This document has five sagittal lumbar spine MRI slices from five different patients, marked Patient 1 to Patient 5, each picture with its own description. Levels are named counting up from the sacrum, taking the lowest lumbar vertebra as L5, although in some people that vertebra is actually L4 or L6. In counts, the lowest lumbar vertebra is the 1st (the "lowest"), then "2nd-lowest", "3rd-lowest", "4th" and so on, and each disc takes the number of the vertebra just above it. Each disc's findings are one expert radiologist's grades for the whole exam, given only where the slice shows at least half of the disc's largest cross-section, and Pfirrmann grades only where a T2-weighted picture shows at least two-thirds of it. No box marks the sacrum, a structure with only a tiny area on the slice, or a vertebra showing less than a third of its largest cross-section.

Patient 1 of 5:
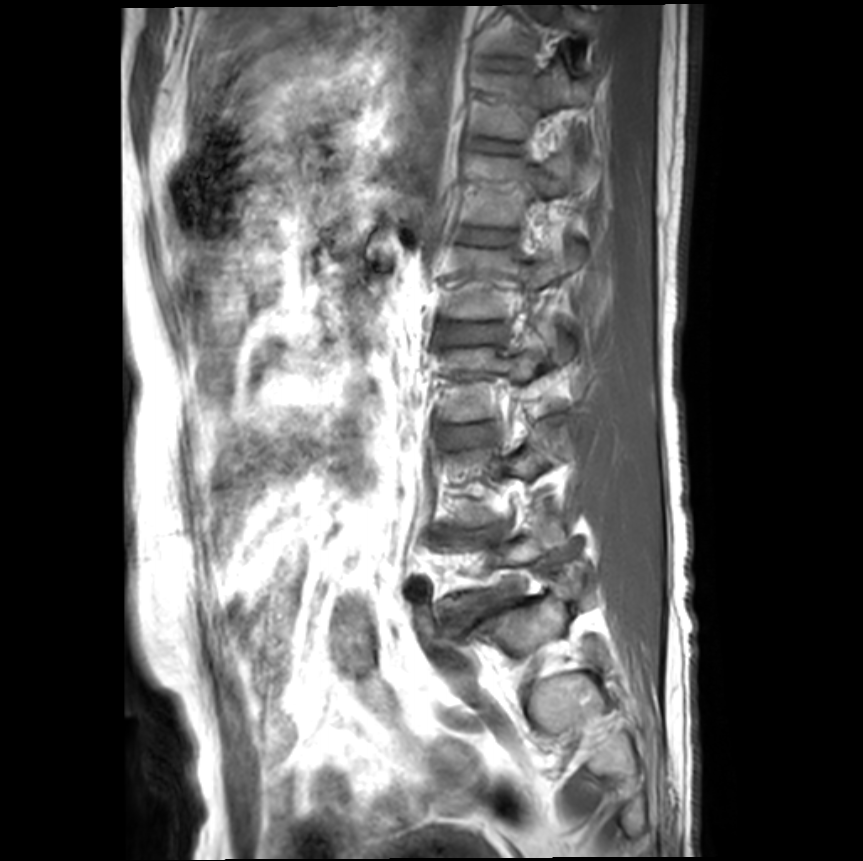
Lumbar spine MR, T1-weighted, sagittal; Field of view 310x309 mm; Slice 16 of 21
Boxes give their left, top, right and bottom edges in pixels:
Disc L1/L2 at left=464, top=231, right=508, bottom=244; T12/L1 at left=480, top=141, right=520, bottom=152; L3 vertebra at left=443, top=333, right=573, bottom=421; L1 vertebra at left=469, top=156, right=595, bottom=225; L2/L3 at left=445, top=323, right=501, bottom=342; disc L5/S1 at left=448, top=604, right=493, bottom=625; L2 vertebra at left=445, top=241, right=585, bottom=317; L4/L5 at left=438, top=527, right=500, bottom=538; T11 vertebra at left=490, top=4, right=589, bottom=55; disc L3/L4 at left=445, top=423, right=494, bottom=444; T12 at left=479, top=67, right=590, bottom=138.

Patient 2 of 5:
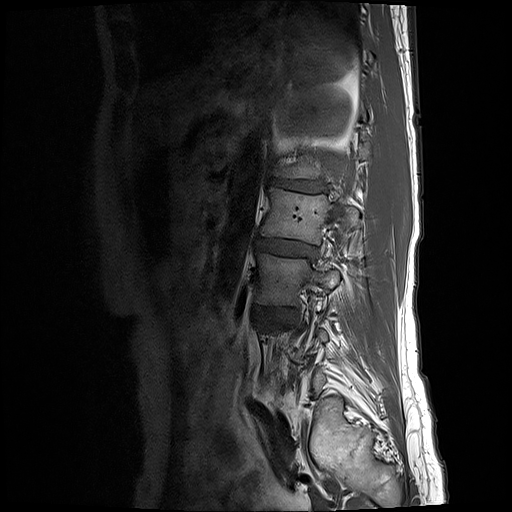 Lumbar spine MR, T1-weighted, sagittal

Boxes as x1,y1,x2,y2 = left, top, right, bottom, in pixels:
Segmented structures:
- L2/L3 = 255,238,318,259
- IVD L1/L2 = 269,179,325,193
- L3/L4 = 253,306,297,322
- L3 = 255,253,338,306
- L2 vertebra = 260,187,357,245

Degenerative findings by level:
• L1/L2: lower-endplate change, upper-endplate change, disc bulging, Modic type II, disc narrowing
• L3/L4: disc bulging
• L2/L3: disc narrowing, disc bulging

Patient 3 of 5:
Image 512x519 | MRI lumbar spine (T2-weighted), sagittal plane 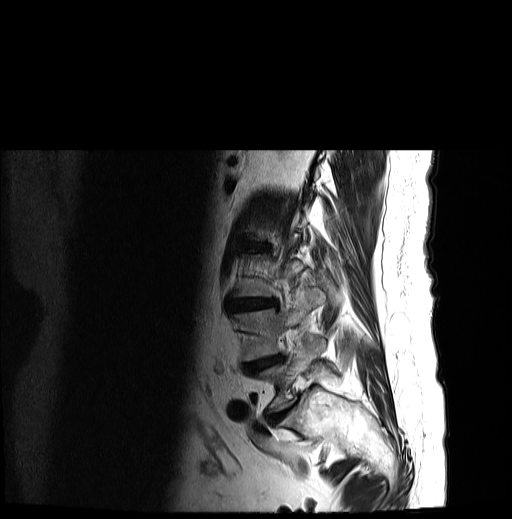

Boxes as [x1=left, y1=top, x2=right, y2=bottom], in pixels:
L5/S1 — [x1=266, y1=401, x2=295, y2=425].
L3/L4 — [x1=230, y1=299, x2=277, y2=310].
IVD L4/L5 — [x1=242, y1=354, x2=285, y2=372].
L2/L3 — [x1=249, y1=245, x2=263, y2=251].
L4 — [x1=233, y1=287, x2=324, y2=361].
L5 — [x1=255, y1=337, x2=324, y2=413].

Per-level radiological findings:
  L3/L4: Pfirrmann grade 4, upper-endplate change, disc narrowing, disc bulging, lower-endplate change, Modic type II
  L4/L5: Pfirrmann grade 5, disc narrowing, disc bulging, Modic type II, upper-endplate change, lower-endplate change

Patient 4 of 5:
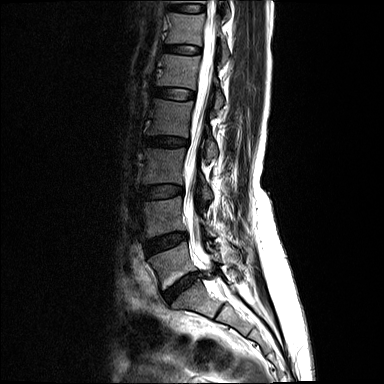 Sex F | MRI lumbar spine (T2-weighted), sagittal plane
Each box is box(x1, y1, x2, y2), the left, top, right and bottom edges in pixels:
L1: box(157, 54, 223, 112)
L2: box(148, 99, 217, 161)
spinal canal: box(183, 18, 216, 265)
L5 vertebra: box(149, 242, 217, 288)
intervertebral disc L2/L3: box(144, 137, 187, 146)
L5/S1: box(163, 271, 207, 301)
L3/L4: box(141, 185, 182, 199)
L1/L2: box(154, 88, 193, 99)
L4 vertebra: box(142, 196, 215, 236)
T12: box(167, 13, 228, 60)
L3 vertebra: box(143, 148, 211, 200)
L4/L5: box(144, 233, 185, 254)
intervertebral disc T12/L1: box(164, 46, 199, 53)

Radiological gradings:
• L1/L2: Pfirrmann grade 2
• L5/S1: disc narrowing, disc herniation, lower-endplate change
• L3/L4: Pfirrmann grade 2
• L4/L5: Pfirrmann grade 3
• L2/L3: Pfirrmann grade 3, disc bulging
• T12/L1: Pfirrmann grade 2

Patient 5 of 5:
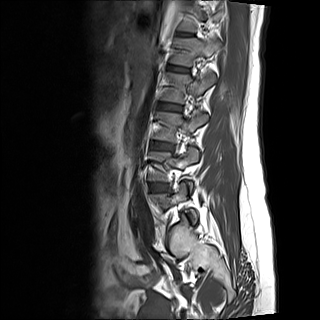

Lumbar spine MR, T1-weighted, sagittal

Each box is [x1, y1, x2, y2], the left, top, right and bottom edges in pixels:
Segmented structures:
* L3 vertebra at [153, 111, 208, 141]
* L1 at [171, 38, 221, 66]
* L5 vertebra at [153, 182, 197, 224]
* intervertebral disc L4/L5 at [151, 184, 166, 191]
* intervertebral disc L3/L4 at [151, 142, 172, 150]
* L2 vertebra at [162, 73, 215, 103]
* L4 at [149, 147, 198, 187]
* intervertebral disc L2/L3 at [159, 103, 182, 111]
* intervertebral disc L1/L2 at [169, 66, 187, 72]

Expert MSK radiologist gradings (per disc):
• L1/L2, L3/L4, L2/L3: no herniation, bulging, narrowing, spondylolisthesis, endplate or Modic change recorded